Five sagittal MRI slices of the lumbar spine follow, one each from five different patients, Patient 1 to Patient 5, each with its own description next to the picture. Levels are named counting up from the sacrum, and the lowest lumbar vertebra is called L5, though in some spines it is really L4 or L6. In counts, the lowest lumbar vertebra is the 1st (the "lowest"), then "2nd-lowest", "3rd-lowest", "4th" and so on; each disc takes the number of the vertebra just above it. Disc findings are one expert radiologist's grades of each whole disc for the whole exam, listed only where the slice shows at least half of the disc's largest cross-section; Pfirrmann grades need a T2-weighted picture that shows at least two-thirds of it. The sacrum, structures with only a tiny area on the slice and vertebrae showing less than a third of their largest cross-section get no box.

Patient 1 of 5:
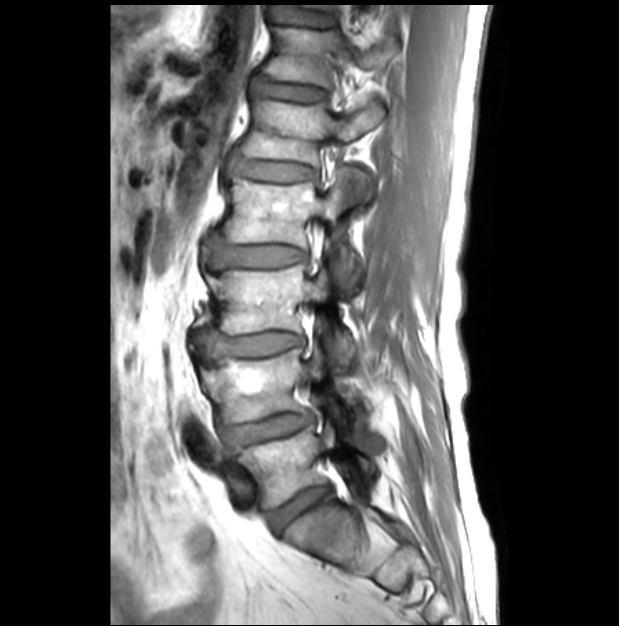
Slice spacing 3.3 mm. MRI lumbar spine (T1-weighted), sagittal plane.

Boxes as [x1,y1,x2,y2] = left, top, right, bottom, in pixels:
L2: [224,169,372,289].
L1/L2: [226,151,315,181].
T11/T12: [279,16,332,25].
Disc L2/L3: [209,234,306,270].
L1 vertebra: [242,99,383,166].
L3: [207,265,354,364].
L4: [200,348,361,427].
L4/L5: [225,414,311,447].
T12 vertebra: [265,26,387,86].
Disc L3/L4: [195,327,301,361].
L5: [239,422,376,507].
L5/S1: [269,486,329,530].
Disc T12/L1: [249,75,324,101].

Radiological gradings:
• L4/L5: upper-endplate change, disc bulging, spondylolisthesis, disc narrowing, lower-endplate change
• L5/S1, T12/L1, L2/L3, L3/L4, L1/L2: no herniation, bulging, narrowing, spondylolisthesis, endplate or Modic change recorded

Patient 2 of 5:
Patient sex: F; Lumbar spine MR, T1-weighted, sagittal; Image 320x320; Slice 12 of 15

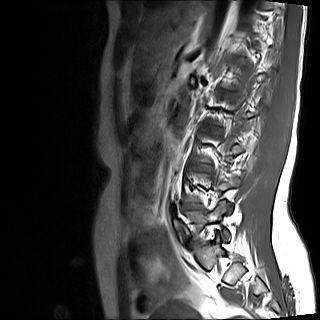

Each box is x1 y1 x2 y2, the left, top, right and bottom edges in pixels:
L5 (lowest vertebra) — 185 201 230 239.
L4/L5 (2nd-lowest disc) — 182 203 201 208.

Patient 3 of 5:
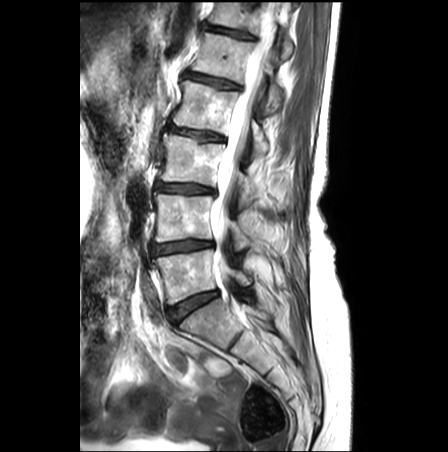 Sagittal slice index 12 | Sagittal T2-weighted lumbar spine MRI
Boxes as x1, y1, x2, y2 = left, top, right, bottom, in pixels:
4th disc at 168, 125, 225, 141; 4th vertebra at 172, 80, 268, 157; lowest disc at 167, 291, 217, 323; 3rd-lowest vertebra at 160, 133, 259, 210; thecal sac / spinal canal at 211, 2, 279, 280; 2nd-lowest disc at 152, 240, 212, 254; lowest vertebra at 154, 249, 251, 304; 5th vertebra at 192, 32, 282, 114; 5th disc at 185, 72, 238, 89; 6th vertebra at 209, 2, 293, 58; 3rd-lowest disc at 155, 182, 213, 193; 2nd-lowest vertebra at 153, 192, 251, 249; 6th disc at 205, 25, 253, 39.

Expert MSK radiologist gradings (per disc):
- 4th disc: Pfirrmann grade 3, Modic type II, disc narrowing, lower-endplate change, upper-endplate change, disc bulging
- 5th disc: Pfirrmann grade 3, lower-endplate change, disc bulging, upper-endplate change
- lowest disc: Pfirrmann grade 3
- 3rd-lowest disc: Pfirrmann grade 3, upper-endplate change, Modic type II, lower-endplate change, disc bulging, disc narrowing
- 6th disc: Pfirrmann grade 3, lower-endplate change, upper-endplate change
- 2nd-lowest disc: Pfirrmann grade 3, disc narrowing, Modic type II, disc bulging, upper-endplate change, lower-endplate change

Patient 4 of 5:
Sex F. Lumbar spine MR, T1-weighted, sagittal. 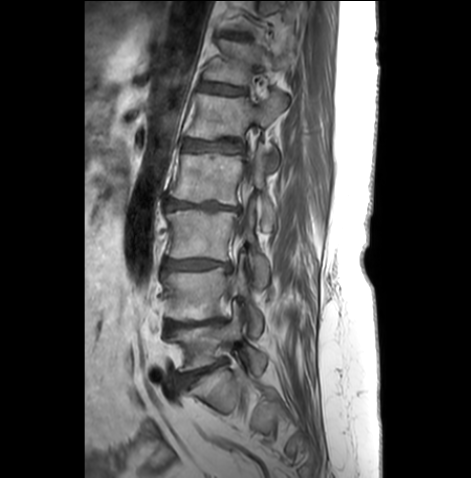 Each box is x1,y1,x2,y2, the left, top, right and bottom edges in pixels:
L5/S1 at 180,359,225,383; L3 at 167,208,269,287; L1 at 187,91,288,169; intervertebral disc L1/L2 at 184,139,242,152; intervertebral disc T12/L1 at 202,82,244,94; L2/L3 at 166,199,238,210; T12 at 205,39,291,84; L5 at 169,306,267,373; L3/L4 at 164,259,232,270; L4/L5 at 167,318,223,331; L4 vertebra at 164,264,263,335; L2 at 171,145,277,229; intervertebral disc T11/T12 at 227,32,244,37.

Degenerative findings by level:
• L3/L4: disc bulging, disc narrowing, Modic type II
• L2/L3: Modic type II, disc narrowing, upper-endplate change, disc bulging, lower-endplate change
• T12/L1: lower-endplate change, disc bulging, upper-endplate change
• L1/L2: disc bulging, Modic type II, lower-endplate change, upper-endplate change
• L5/S1: disc narrowing, Modic type II, disc bulging

Patient 5 of 5:
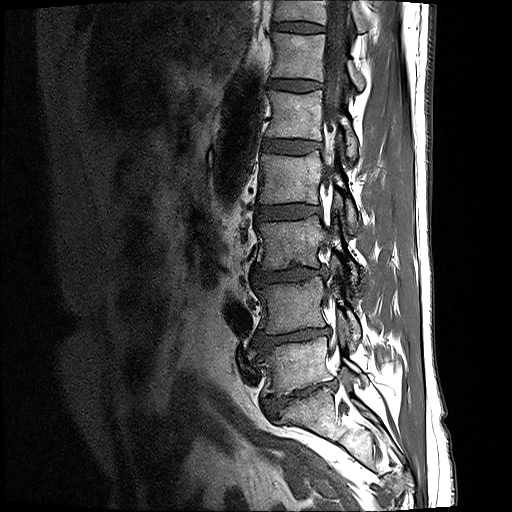

T1-weighted sagittal MRI of the lumbar spine; Slice 13/17; 512x512 px; Patient sex: M
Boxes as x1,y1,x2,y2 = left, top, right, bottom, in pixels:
L1 at 266,90,357,160; T11 at 274,0,368,32; spinal canal at 323,0,348,347; L3 at 257,216,357,287; L2/L3 at 257,204,320,219; intervertebral disc L5/S1 at 262,380,336,418; intervertebral disc L3/L4 at 252,267,325,286; L2 vertebra at 259,150,358,233; T12/L1 at 269,79,319,91; T11/T12 at 272,21,323,32; L4 at 256,277,361,346; T12 vertebra at 272,32,364,89; intervertebral disc L1/L2 at 263,139,319,153; L5 vertebra at 258,337,367,396; intervertebral disc L4/L5 at 253,327,330,356.

Degenerative findings by level:
  L5/S1: lower-endplate change, disc narrowing, spondylolisthesis, disc bulging
  L3/L4: disc narrowing, disc bulging
  L4/L5: disc bulging, Modic type II, lower-endplate change, disc narrowing
  T11/T12, L1/L2, T12/L1, L2/L3: no herniation, bulging, narrowing, spondylolisthesis, endplate or Modic change recorded